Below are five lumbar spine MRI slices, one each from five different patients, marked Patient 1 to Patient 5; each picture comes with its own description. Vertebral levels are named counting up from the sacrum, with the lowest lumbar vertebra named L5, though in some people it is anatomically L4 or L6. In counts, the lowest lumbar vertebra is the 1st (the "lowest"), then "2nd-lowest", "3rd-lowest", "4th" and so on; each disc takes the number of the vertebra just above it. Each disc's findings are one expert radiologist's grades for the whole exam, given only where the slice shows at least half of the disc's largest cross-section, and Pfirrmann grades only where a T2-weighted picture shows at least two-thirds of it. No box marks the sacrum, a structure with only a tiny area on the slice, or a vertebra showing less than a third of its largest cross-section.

Patient 1 of 5:
Sex F, Lumbar spine MR, T2-weighted, sagittal 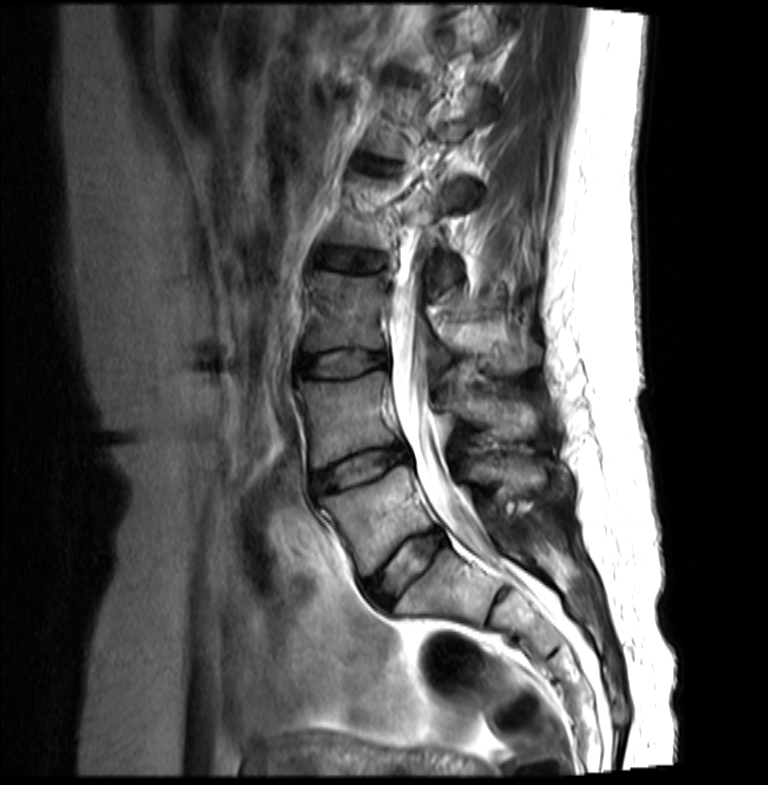

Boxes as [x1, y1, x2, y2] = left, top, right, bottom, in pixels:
L2 at [328, 174, 538, 287], disc L1/L2 at [359, 159, 396, 173], disc L3/L4 at [300, 351, 388, 375], L4/L5 at [313, 444, 409, 491], L5 at [319, 455, 547, 575], L4 vertebra at [298, 371, 544, 466], L1 at [369, 86, 494, 206], L2/L3 at [318, 247, 386, 272], L3 at [304, 270, 541, 373], disc L5/S1 at [364, 530, 445, 608], spinal canal at [390, 260, 488, 555].

Per-level radiological findings:
- L3/L4: Pfirrmann grade 2, disc bulging
- L2/L3: Pfirrmann grade 2
- L5/S1: Pfirrmann grade 3, disc bulging
- L4/L5: Pfirrmann grade 3, disc herniation

Patient 2 of 5:
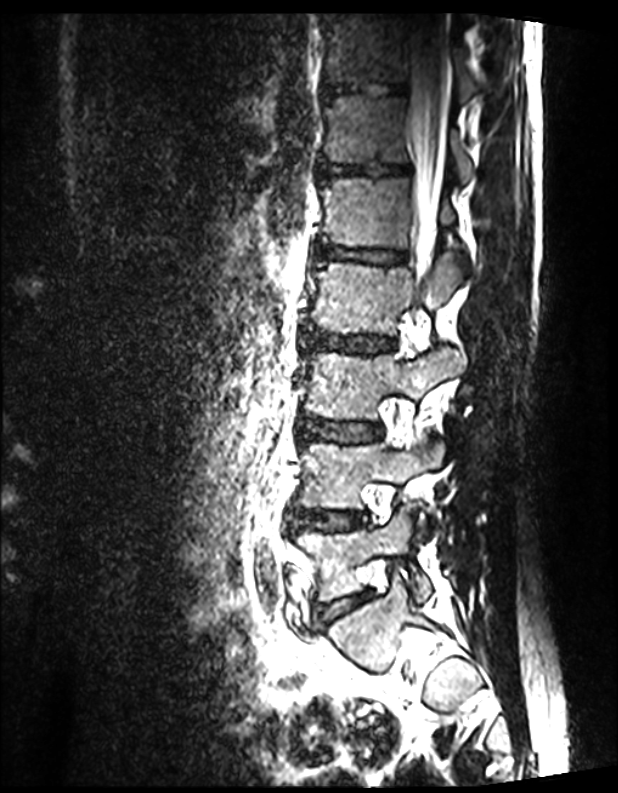 Lumbar spine MR, T2 SPACE (3D), sagittal
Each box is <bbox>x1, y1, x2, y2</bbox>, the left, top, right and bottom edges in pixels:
Disc T11/T12: <bbox>323, 81, 406, 95</bbox>.
L1: <bbox>322, 177, 452, 247</bbox>.
T12/L1: <bbox>317, 163, 410, 178</bbox>.
Disc L4/L5: <bbox>293, 509, 366, 528</bbox>.
Disc L2/L3: <bbox>303, 332, 394, 352</bbox>.
L2: <bbox>313, 251, 468, 334</bbox>.
Spinal canal: <bbox>408, 22, 447, 257</bbox>.
L3: <bbox>309, 348, 464, 419</bbox>.
T12 vertebra: <bbox>323, 95, 473, 184</bbox>.
T11 vertebra: <bbox>322, 14, 473, 100</bbox>.
L1/L2: <bbox>315, 244, 406, 264</bbox>.
L5 vertebra: <bbox>298, 505, 432, 601</bbox>.
L5/S1: <bbox>320, 594, 366, 623</bbox>.
L4: <bbox>300, 438, 444, 510</bbox>.
Disc L3/L4: <bbox>300, 418, 381, 442</bbox>.

Expert MSK radiologist gradings (per disc):
  T11/T12: Pfirrmann grade 1
  L2/L3: Pfirrmann grade 1
  L3/L4: Pfirrmann grade 1
  T12/L1: Pfirrmann grade 1
  L1/L2: Pfirrmann grade 1
  L4/L5: no spondylolisthesis, narrowing, bulging, herniation, Modic or endplate change recorded

Patient 3 of 5:
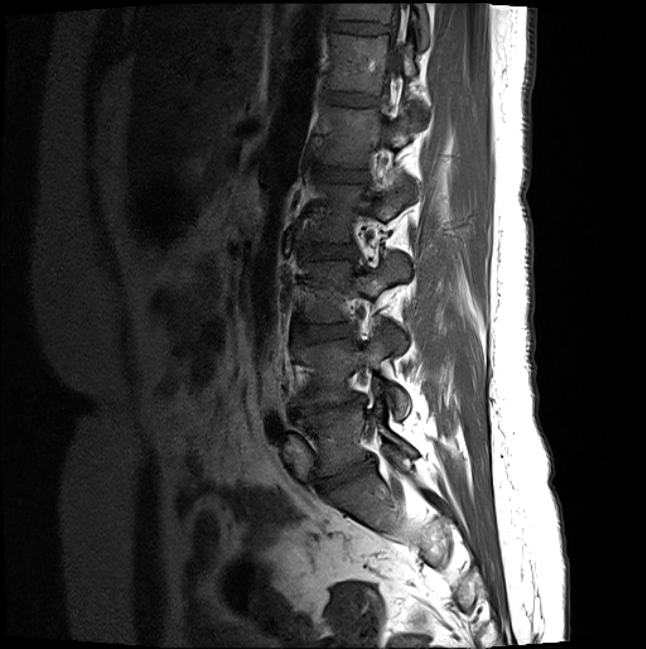 MRI lumbar spine (T1-weighted), sagittal plane; Image 646x649
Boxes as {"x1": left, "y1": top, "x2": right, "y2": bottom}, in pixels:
{"L3": {"x1": 300, "y1": 253, "x2": 410, "y2": 348}, "T12": {"x1": 327, "y1": 32, "x2": 427, "y2": 117}, "T11/T12": {"x1": 332, "y1": 20, "x2": 387, "y2": 33}, "disc L1/L2": {"x1": 314, "y1": 163, "x2": 367, "y2": 179}, "disc L2/L3": {"x1": 296, "y1": 242, "x2": 357, "y2": 258}, "L3/L4": {"x1": 296, "y1": 323, "x2": 353, "y2": 343}, "T11 vertebra": {"x1": 335, "y1": 1, "x2": 429, "y2": 46}, "L4": {"x1": 295, "y1": 326, "x2": 410, "y2": 418}, "L1 vertebra": {"x1": 318, "y1": 104, "x2": 409, "y2": 165}, "disc T12/L1": {"x1": 324, "y1": 89, "x2": 379, "y2": 104}, "L5/S1": {"x1": 317, "y1": 459, "x2": 374, "y2": 493}, "L5 vertebra": {"x1": 296, "y1": 401, "x2": 415, "y2": 476}, "L2 vertebra": {"x1": 300, "y1": 180, "x2": 413, "y2": 241}, "L4/L5": {"x1": 291, "y1": 396, "x2": 365, "y2": 415}}

Degenerative findings by level:
• L4/L5: disc narrowing, disc bulging, upper-endplate change, Modic type II, lower-endplate change
• L5/S1: disc bulging, disc narrowing
• L3/L4, T12/L1, T11/T12, L2/L3, L1/L2: no herniation, bulging, narrowing, spondylolisthesis, endplate or Modic change recorded

Patient 4 of 5:
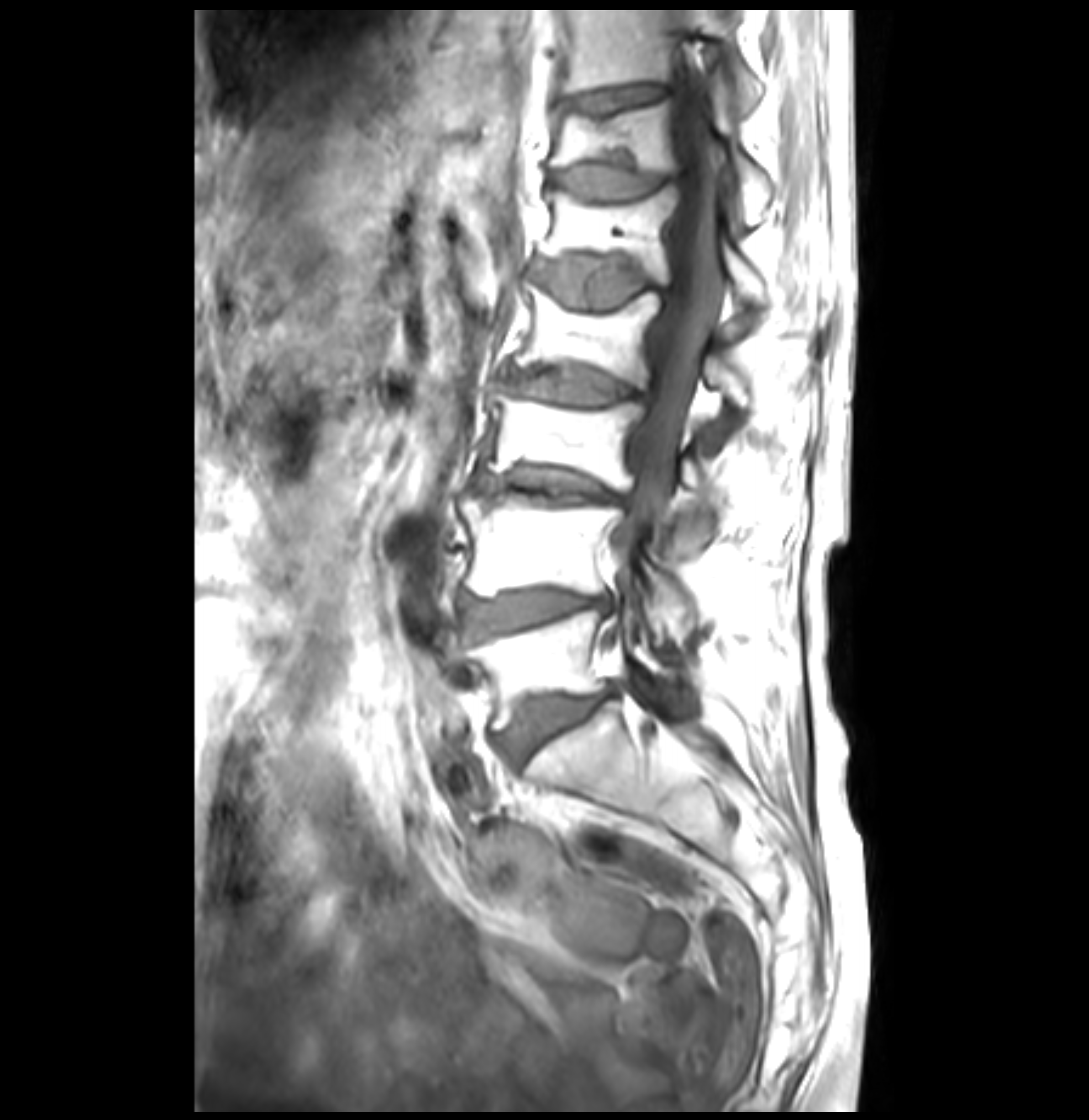
T1-weighted sagittal MRI of the lumbar spine.

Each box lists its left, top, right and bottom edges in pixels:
Annotations:
• 7th disc at left=557, top=83, right=666, bottom=114
• 3rd-lowest vertebra at left=484, top=386, right=717, bottom=550
• 5th vertebra at left=537, top=186, right=768, bottom=302
• 4th vertebra at left=516, top=285, right=751, bottom=405
• 2nd-lowest vertebra at left=462, top=493, right=692, bottom=639
• lowest vertebra at left=469, top=609, right=675, bottom=727
• 3rd-lowest disc at left=477, top=468, right=624, bottom=502
• 5th disc at left=532, top=255, right=673, bottom=307
• 6th disc at left=554, top=164, right=683, bottom=199
• thecal sac / spinal canal at left=617, top=69, right=726, bottom=564
• 6th vertebra at left=549, top=98, right=770, bottom=225
• 4th disc at left=505, top=368, right=646, bottom=403
• lowest disc at left=499, top=691, right=610, bottom=763
• 2nd-lowest disc at left=467, top=590, right=612, bottom=636
• 7th vertebra at left=562, top=8, right=761, bottom=111

Expert MSK radiologist gradings (per disc):
  5th disc: upper-endplate change, disc bulging, lower-endplate change, Modic type II
  7th disc: Modic type II, upper-endplate change, lower-endplate change
  4th disc: Modic type II, lower-endplate change, disc narrowing, disc bulging, upper-endplate change
  2nd-lowest disc: lower-endplate change, Modic type II, disc bulging, upper-endplate change
  lowest disc: disc bulging, Modic type II, lower-endplate change, upper-endplate change
  3rd-lowest disc: disc bulging, Modic type II, lower-endplate change, upper-endplate change, disc narrowing
  6th disc: Modic type II, lower-endplate change, upper-endplate change

Patient 5 of 5:
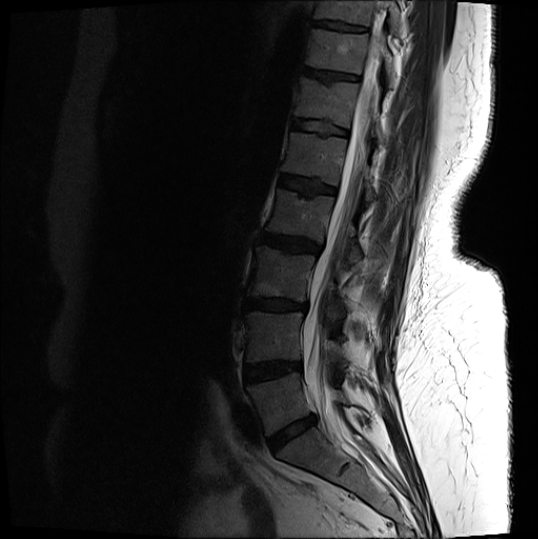 Lumbar spine MR, T2-weighted, sagittal
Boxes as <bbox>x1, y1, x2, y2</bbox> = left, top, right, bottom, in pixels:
T12/L1 (6th disc): <bbox>291, 119, 347, 136</bbox>.
Intervertebral disc T10/T11 (8th disc): <bbox>312, 21, 367, 32</bbox>.
Intervertebral disc T11/T12 (7th disc): <bbox>300, 68, 359, 82</bbox>.
L2 (4th vertebra): <bbox>266, 189, 361, 263</bbox>.
Intervertebral disc L1/L2 (5th disc): <bbox>279, 174, 336, 196</bbox>.
T10 (8th vertebra): <bbox>314, 1, 400, 34</bbox>.
Spinal canal: <bbox>303, 11, 384, 432</bbox>.
Intervertebral disc L2/L3 (4th disc): <bbox>259, 232, 321, 254</bbox>.
L4 (2nd-lowest vertebra): <bbox>244, 311, 347, 366</bbox>.
L3/L4 (3rd-lowest disc): <bbox>245, 299, 307, 310</bbox>.
T11 (7th vertebra): <bbox>305, 30, 397, 87</bbox>.
L1 (5th vertebra): <bbox>282, 132, 376, 200</bbox>.
L5 (lowest vertebra): <bbox>246, 373, 349, 435</bbox>.
T12 (6th vertebra): <bbox>294, 77, 388, 144</bbox>.
L3 (3rd-lowest vertebra): <bbox>248, 245, 345, 302</bbox>.
L5/S1 (lowest disc): <bbox>268, 415, 316, 451</bbox>.
L4/L5 (2nd-lowest disc): <bbox>244, 361, 301, 381</bbox>.

Per-level radiological findings:
  T12/L1 (6th disc): Pfirrmann grade 3, lower-endplate change, upper-endplate change
  T11/T12 (7th disc): Pfirrmann grade 4, upper-endplate change
  L4/L5 (2nd-lowest disc): Pfirrmann grade 4, lower-endplate change, disc bulging, Modic type II
  L1/L2 (5th disc): Pfirrmann grade 4, Modic type II, lower-endplate change, upper-endplate change
  L5/S1 (lowest disc): Pfirrmann grade 4, disc narrowing, disc bulging
  L3/L4 (3rd-lowest disc): Pfirrmann grade 4, disc narrowing, disc bulging, Modic type II, upper-endplate change, lower-endplate change
  L2/L3 (4th disc): Pfirrmann grade 4, upper-endplate change, disc bulging, lower-endplate change
  T10/T11 (8th disc): Pfirrmann grade 4, upper-endplate change, lower-endplate change